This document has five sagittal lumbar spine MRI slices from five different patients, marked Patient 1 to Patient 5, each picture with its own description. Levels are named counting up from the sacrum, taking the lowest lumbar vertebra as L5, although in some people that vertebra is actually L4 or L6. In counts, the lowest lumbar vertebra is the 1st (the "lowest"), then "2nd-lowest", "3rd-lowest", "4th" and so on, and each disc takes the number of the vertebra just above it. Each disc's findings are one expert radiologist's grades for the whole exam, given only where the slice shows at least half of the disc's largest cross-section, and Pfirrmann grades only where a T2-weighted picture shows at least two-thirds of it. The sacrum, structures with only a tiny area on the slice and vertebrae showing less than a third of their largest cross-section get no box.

Patient 1 of 5:
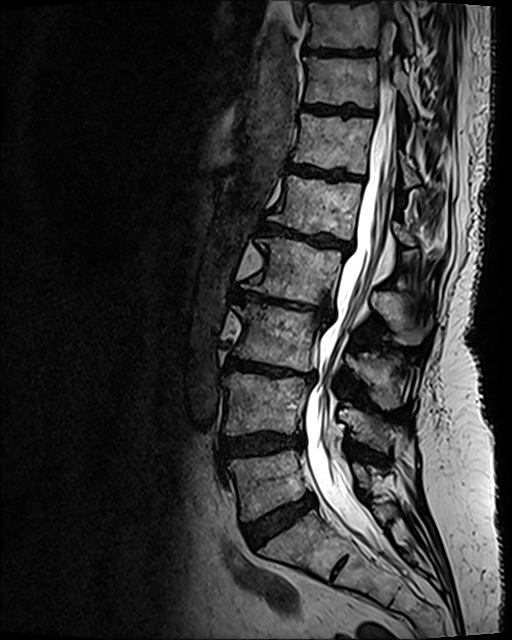

Slice 60/120 | 512x640 px | Slice spacing 0.9 mm | MRI lumbar spine (T2 SPACE (3D)), sagittal plane

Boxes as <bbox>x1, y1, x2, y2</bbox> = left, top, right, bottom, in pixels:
{"L3/L4": "<bbox>225, 357, 315, 381</bbox>", "intervertebral disc L4/L5": "<bbox>220, 432, 303, 458</bbox>", "L1": "<bbox>269, 175, 414, 245</bbox>", "T11 vertebra": "<bbox>304, 57, 414, 117</bbox>", "T10 vertebra": "<bbox>308, 0, 412, 51</bbox>", "intervertebral disc L5/S1": "<bbox>243, 495, 314, 546</bbox>", "L2 vertebra": "<bbox>251, 237, 429, 344</bbox>", "T12 vertebra": "<bbox>293, 113, 418, 186</bbox>", "L1/L2": "<bbox>259, 223, 352, 251</bbox>", "L2/L3": "<bbox>236, 290, 332, 323</bbox>", "T11/T12": "<bbox>305, 106, 371, 114</bbox>", "L3": "<bbox>234, 303, 403, 408</bbox>", "intervertebral disc T10/T11": "<bbox>305, 48, 371, 56</bbox>", "L5 vertebra": "<bbox>228, 449, 369, 520</bbox>", "spinal canal": "<bbox>305, 0, 397, 556</bbox>", "L4": "<bbox>223, 373, 395, 450</bbox>", "T12/L1": "<bbox>289, 164, 362, 179</bbox>"}

Radiological gradings:
- T10/T11: Pfirrmann grade 4, upper-endplate change, lower-endplate change
- L4/L5: Pfirrmann grade 4, disc bulging, upper-endplate change, lower-endplate change
- T11/T12: Pfirrmann grade 4, lower-endplate change, upper-endplate change
- L5/S1: Pfirrmann grade 4, disc bulging
- L1/L2: Pfirrmann grade 5, disc narrowing, upper-endplate change, Modic type II, lower-endplate change, disc bulging
- L3/L4: lower-endplate change, disc bulging, Modic type II, disc narrowing, upper-endplate change
- L2/L3: Modic type II, upper-endplate change, lower-endplate change, disc narrowing, disc bulging
- T12/L1: Pfirrmann grade 4, lower-endplate change, upper-endplate change, Modic type II

Patient 2 of 5:
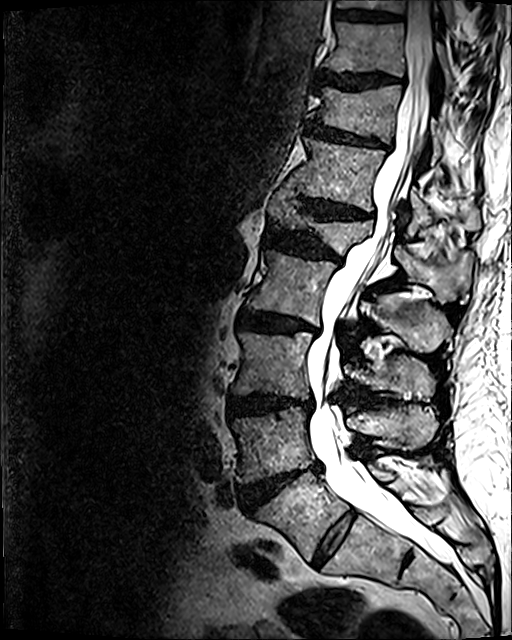
Image 512x640, MRI lumbar spine (T2 SPACE (3D)), sagittal plane, Slice 63 of 120, Field of view 240x300 mm

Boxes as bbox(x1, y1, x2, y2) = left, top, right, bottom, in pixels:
Thecal sac / spinal canal: bbox(307, 0, 452, 562).
9th vertebra: bbox(336, 0, 456, 27).
3rd-lowest disc: bbox(229, 394, 311, 416).
5th vertebra: bbox(268, 186, 472, 302).
5th disc: bbox(265, 226, 341, 263).
4th vertebra: bbox(248, 250, 452, 352).
8th vertebra: bbox(323, 22, 454, 93).
9th disc: bbox(335, 10, 398, 21).
6th disc: bbox(299, 197, 371, 218).
4th disc: bbox(238, 311, 318, 333).
8th disc: bbox(317, 70, 400, 89).
7th vertebra: bbox(308, 84, 443, 160).
2nd-lowest disc: bbox(241, 463, 321, 510).
6th vertebra: bbox(289, 137, 480, 234).
7th disc: bbox(306, 121, 385, 147).
Lowest vertebra: bbox(257, 455, 439, 559).
3rd-lowest vertebra: bbox(230, 331, 434, 398).
Lowest disc: bbox(312, 509, 356, 566).
2nd-lowest vertebra: bbox(232, 406, 437, 483).

Per-level radiological findings:
- 5th disc: Pfirrmann grade 4, disc bulging, disc narrowing, upper-endplate change, lower-endplate change
- lowest disc: Pfirrmann grade 2
- 4th disc: Pfirrmann grade 4, lower-endplate change, disc narrowing, disc bulging, Modic type II, upper-endplate change
- 8th disc: Pfirrmann grade 4, lower-endplate change, upper-endplate change, disc bulging
- 3rd-lowest disc: Pfirrmann grade 4, disc bulging, upper-endplate change, disc narrowing, lower-endplate change
- 6th disc: Pfirrmann grade 4, upper-endplate change, lower-endplate change, disc narrowing, disc bulging
- 2nd-lowest disc: Pfirrmann grade 5, Modic type II, disc bulging, disc herniation, lower-endplate change, upper-endplate change, disc narrowing
- 9th disc: Pfirrmann grade 3, lower-endplate change
- 7th disc: Pfirrmann grade 4, lower-endplate change, upper-endplate change, disc narrowing, disc bulging

Patient 3 of 5:
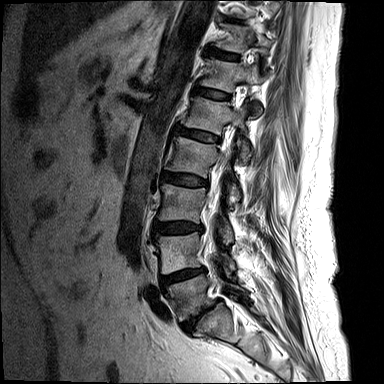 384x384 px; Lumbar spine MR, T2-weighted, sagittal
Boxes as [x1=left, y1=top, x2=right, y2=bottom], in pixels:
5th disc — [x1=177, y1=128, x2=219, y2=142].
Lowest disc — [x1=182, y1=299, x2=219, y2=331].
6th vertebra — [x1=200, y1=58, x2=263, y2=118].
2nd-lowest disc — [x1=160, y1=267, x2=205, y2=287].
4th disc — [x1=162, y1=173, x2=207, y2=186].
7th disc — [x1=208, y1=48, x2=238, y2=60].
Lowest vertebra — [x1=166, y1=274, x2=246, y2=320].
6th disc — [x1=193, y1=87, x2=229, y2=99].
Spinal canal — [x1=204, y1=103, x2=239, y2=251].
3rd-lowest disc — [x1=154, y1=222, x2=202, y2=235].
5th vertebra — [x1=184, y1=96, x2=250, y2=161].
4th vertebra — [x1=164, y1=137, x2=241, y2=203].
2nd-lowest vertebra — [x1=155, y1=232, x2=234, y2=273].
3rd-lowest vertebra — [x1=157, y1=184, x2=233, y2=242].
7th vertebra — [x1=216, y1=25, x2=270, y2=53].

Per-level radiological findings:
- lowest disc: lower-endplate change, Modic type II, disc bulging, upper-endplate change, disc narrowing
- 4th disc: Pfirrmann grade 3, disc bulging
- 7th disc: Pfirrmann grade 2, upper-endplate change, Modic type II
- 6th disc: Pfirrmann grade 2, Modic type II
- 5th disc: Pfirrmann grade 3, disc bulging
- 2nd-lowest disc: Pfirrmann grade 4, disc narrowing, disc bulging, lower-endplate change, upper-endplate change, Modic type II
- 3rd-lowest disc: Pfirrmann grade 3, disc bulging

Patient 4 of 5:
Slice 5 of 19 | 614x611 px | T1-weighted sagittal MRI of the lumbar spine 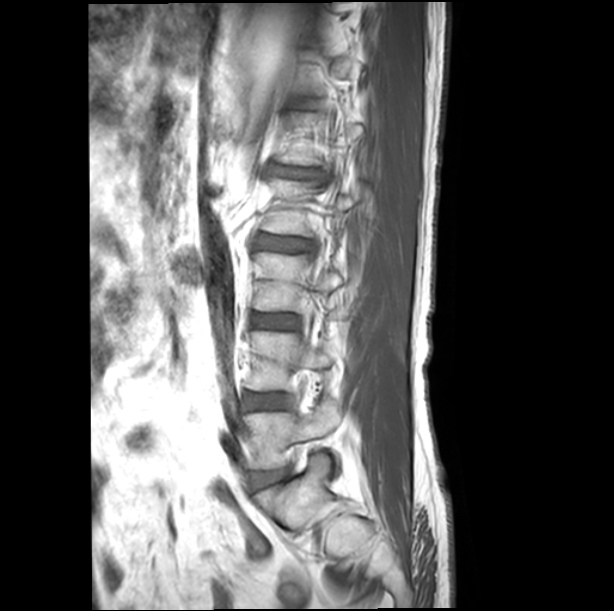

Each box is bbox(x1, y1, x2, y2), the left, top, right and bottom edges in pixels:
3rd-lowest disc: bbox(252, 314, 297, 328) | 2nd-lowest disc: bbox(247, 394, 287, 408) | 5th disc: bbox(275, 168, 323, 179) | 4th vertebra: bbox(262, 178, 367, 236) | lowest vertebra: bbox(245, 406, 340, 469) | lowest disc: bbox(255, 473, 277, 483) | 2nd-lowest vertebra: bbox(247, 330, 334, 391) | 3rd-lowest vertebra: bbox(253, 252, 342, 312) | 4th disc: bbox(258, 235, 315, 251)

Expert MSK radiologist gradings (per disc):
- 5th disc: disc bulging, disc narrowing
- 4th disc, 3rd-lowest disc: no Modic or endplate change, herniation, narrowing, bulging or spondylolisthesis recorded

Patient 5 of 5:
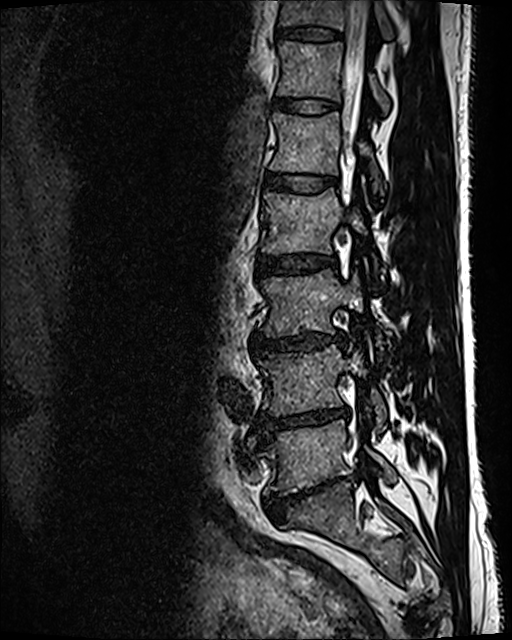 T2 SPACE (3D) sagittal MRI of the lumbar spine; Sagittal slice index 44; 512x640 px

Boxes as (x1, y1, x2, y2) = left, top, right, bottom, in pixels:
Segmented structures:
* L5/S1 (lowest disc): (266, 484, 326, 521)
* IVD L4/L5 (2nd-lowest disc): (260, 406, 348, 437)
* L4 (2nd-lowest vertebra): (257, 345, 387, 431)
* L1 (5th vertebra): (270, 112, 382, 194)
* L2 (4th vertebra): (261, 188, 382, 279)
* T12 (6th vertebra): (277, 41, 389, 113)
* IVD L2/L3 (4th disc): (257, 255, 335, 276)
* L5 (lowest vertebra): (264, 420, 397, 495)
* L3/L4 (3rd-lowest disc): (254, 333, 344, 351)
* T11 (7th vertebra): (278, 0, 395, 40)
* L1/L2 (5th disc): (266, 173, 336, 192)
* T12/L1 (6th disc): (274, 97, 337, 113)
* thecal sac / spinal canal: (342, 1, 370, 204)
* IVD T11/T12 (7th disc): (274, 25, 342, 41)
* L3 (3rd-lowest vertebra): (262, 270, 381, 349)

Degenerative findings by level:
• L2/L3 (4th disc): Pfirrmann grade 2
• T11/T12 (7th disc): Pfirrmann grade 2
• L1/L2 (5th disc): Pfirrmann grade 2
• L5/S1 (lowest disc): disc bulging, spondylolisthesis, disc narrowing, lower-endplate change
• L4/L5 (2nd-lowest disc): Pfirrmann grade 5, disc bulging, Modic type II, lower-endplate change, disc narrowing
• T12/L1 (6th disc): Pfirrmann grade 2
• L3/L4 (3rd-lowest disc): Pfirrmann grade 3, disc bulging, disc narrowing